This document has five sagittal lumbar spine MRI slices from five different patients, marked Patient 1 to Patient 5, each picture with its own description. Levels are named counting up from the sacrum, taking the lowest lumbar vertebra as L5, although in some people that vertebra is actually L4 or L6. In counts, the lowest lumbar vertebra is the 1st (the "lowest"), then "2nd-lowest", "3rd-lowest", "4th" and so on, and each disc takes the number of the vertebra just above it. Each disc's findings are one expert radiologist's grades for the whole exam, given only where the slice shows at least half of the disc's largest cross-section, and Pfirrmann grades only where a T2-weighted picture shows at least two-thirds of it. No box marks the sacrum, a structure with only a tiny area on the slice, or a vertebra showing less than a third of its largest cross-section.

Patient 1 of 5:
Slice 51/120 | T2 SPACE (3D) sagittal MRI of the lumbar spine

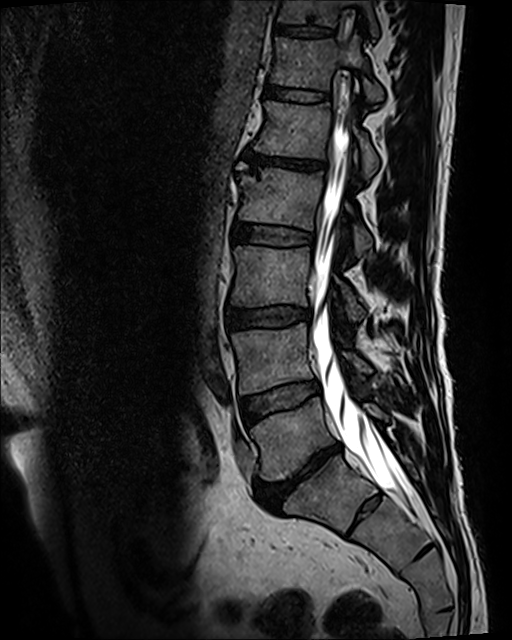 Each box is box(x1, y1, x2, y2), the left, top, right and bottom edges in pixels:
L4/L5 (2nd-lowest disc) = box(241, 381, 318, 422).
L3/L4 (3rd-lowest disc) = box(227, 308, 312, 328).
T11 (7th vertebra) = box(278, 0, 378, 36).
L2 (4th vertebra) = box(239, 168, 372, 255).
Thecal sac / spinal canal = box(313, 99, 410, 499).
L5 (lowest vertebra) = box(250, 397, 388, 480).
L4 (2nd-lowest vertebra) = box(231, 323, 369, 393).
Disc L1/L2 (5th disc) = box(244, 151, 326, 170).
T12 (6th vertebra) = box(271, 35, 383, 104).
L5/S1 (lowest disc) = box(257, 444, 341, 510).
L3 (3rd-lowest vertebra) = box(231, 246, 364, 320).
Disc T11/T12 (7th disc) = box(275, 26, 332, 36).
L1 (5th vertebra) = box(254, 101, 378, 178).
Disc L2/L3 (4th disc) = box(234, 222, 314, 246).
Disc T12/L1 (6th disc) = box(264, 81, 329, 102).

Expert MSK radiologist gradings (per disc):
• L3/L4 (3rd-lowest disc): Pfirrmann grade 3, lower-endplate change, disc bulging, upper-endplate change
• L5/S1 (lowest disc): Pfirrmann grade 5, disc bulging, upper-endplate change, lower-endplate change, Modic type II, disc narrowing
• L4/L5 (2nd-lowest disc): Pfirrmann grade 3, Modic type II
• T11/T12 (7th disc): Pfirrmann grade 3, upper-endplate change, lower-endplate change
• T12/L1 (6th disc): Pfirrmann grade 3
• L1/L2 (5th disc): Pfirrmann grade 5, Modic type II, upper-endplate change, disc bulging, lower-endplate change, disc narrowing
• L2/L3 (4th disc): Pfirrmann grade 3

Patient 2 of 5:
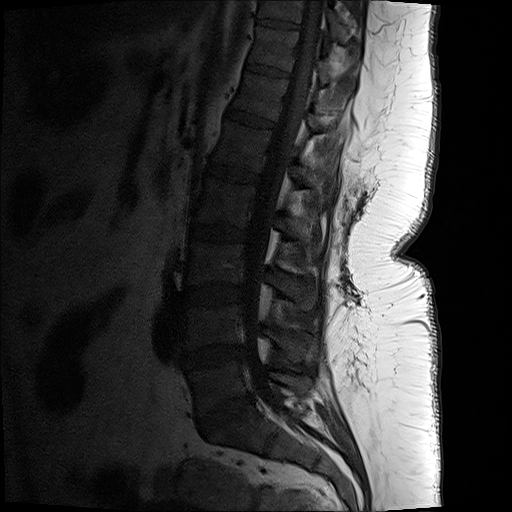

Slice spacing 3.3 mm, Sagittal T1-weighted lumbar spine MRI, Image 512x512

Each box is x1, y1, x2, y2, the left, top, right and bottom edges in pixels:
Structures:
* T11/T12 at 246, 62, 290, 77
* disc T12/L1 at 225, 105, 274, 127
* T10/T11 at 257, 18, 301, 29
* L4 at 187, 304, 311, 359
* L1 vertebra at 215, 119, 335, 199
* disc L1/L2 at 199, 162, 258, 182
* spinal canal at 243, 1, 324, 397
* L3/L4 at 184, 283, 242, 305
* T10 vertebra at 259, 0, 344, 42
* T11 vertebra at 248, 25, 354, 87
* L3 at 187, 240, 318, 309
* L5 at 191, 360, 312, 414
* disc L2/L3 at 187, 222, 248, 241
* L2 vertebra at 191, 176, 321, 253
* L4/L5 at 183, 344, 243, 369
* T12 vertebra at 234, 70, 322, 129
* L5/S1 at 200, 394, 254, 432

Per-level radiological findings:
  L4/L5: disc narrowing, disc bulging
  L5/S1: disc narrowing, disc bulging
  T11/T12, L2/L3, T10/T11, T12/L1, L3/L4, L1/L2: no herniation, bulging, narrowing, spondylolisthesis, endplate or Modic change recorded

Patient 3 of 5:
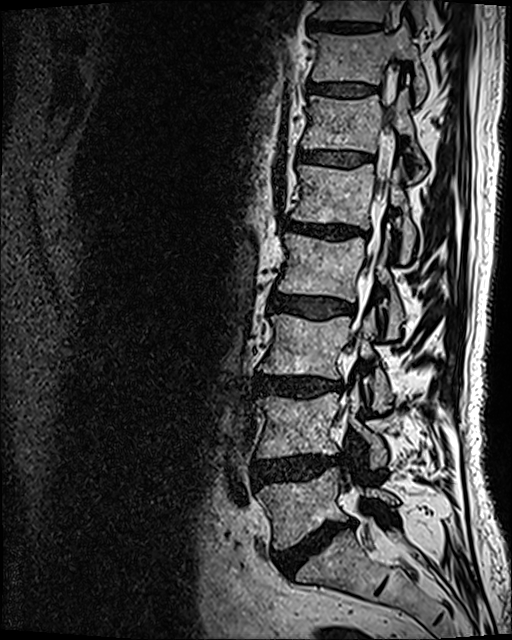
Sex M, T2 SPACE (3D) sagittal MRI of the lumbar spine, Field of view 240x300 mm, slice spacing 0.9 mm

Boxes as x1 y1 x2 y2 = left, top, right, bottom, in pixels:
T11: 312 21 426 104 | T10/T11: 309 20 377 30 | T12: 302 88 426 180 | L2 vertebra: 278 230 404 338 | T10: 313 0 423 32 | L2/L3: 269 293 353 319 | L5: 257 468 397 548 | T11/T12: 309 84 373 96 | L1: 292 161 415 262 | thecal sac / spinal canal: 339 124 392 538 | intervertebral disc T12/L1: 299 151 372 166 | L3 vertebra: 259 309 392 412 | L1/L2: 285 220 358 238 | L4/L5: 254 454 336 485 | intervertebral disc L5/S1: 273 521 353 576 | L4: 257 386 387 469 | L3/L4: 254 374 342 398

Radiological gradings:
• T12/L1: Pfirrmann grade 3
• T11/T12: Pfirrmann grade 3
• L4/L5: Pfirrmann grade 4, disc bulging, disc herniation
• L1/L2: Pfirrmann grade 4, lower-endplate change, upper-endplate change, disc narrowing, Modic type II, disc bulging
• L2/L3: Pfirrmann grade 3, disc bulging
• L5/S1: Pfirrmann grade 5, disc bulging, disc narrowing, lower-endplate change, Modic type II
• L3/L4: Pfirrmann grade 4, Modic type II, lower-endplate change, disc narrowing, disc bulging

Patient 4 of 5:
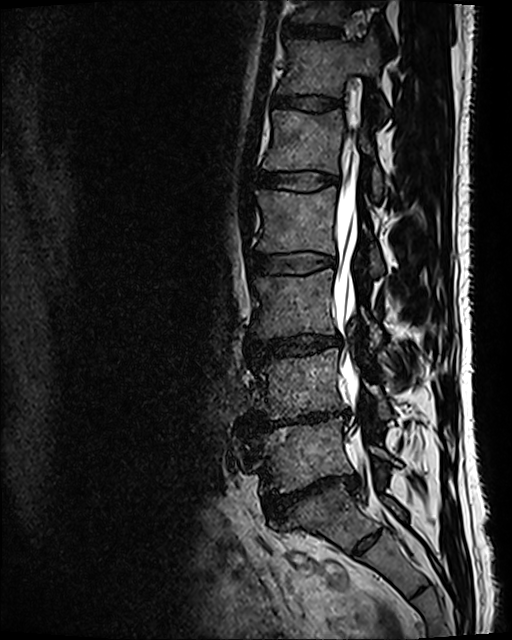 T2 SPACE (3D) sagittal MRI of the lumbar spine. Patient sex: M. Slice 69 of 120. 512x640 px.
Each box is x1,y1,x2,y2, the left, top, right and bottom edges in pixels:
Structures:
• L3 at 252,269,381,346
• intervertebral disc T12/L1 at 273,95,342,111
• T11/T12 at 281,25,340,39
• L1/L2 at 258,170,337,190
• L4 vertebra at 255,349,390,419
• L4/L5 at 248,411,338,428
• T11 at 290,0,386,24
• L1 at 263,109,382,197
• intervertebral disc L5/S1 at 264,473,360,521
• intervertebral disc L3/L4 at 248,335,340,359
• intervertebral disc L2/L3 at 249,253,334,274
• thecal sac / spinal canal at 333,124,417,553
• T12 vertebra at 277,38,386,111
• L5 vertebra at 259,420,398,494
• L2 at 256,187,383,274

Expert MSK radiologist gradings (per disc):
- T11/T12: Pfirrmann grade 2
- T12/L1: Pfirrmann grade 2
- L2/L3: Pfirrmann grade 2
- L1/L2: Pfirrmann grade 2
- L5/S1: Pfirrmann grade 5, lower-endplate change, spondylolisthesis, disc bulging, disc narrowing
- L3/L4: Pfirrmann grade 3, disc bulging, disc narrowing

Patient 5 of 5:
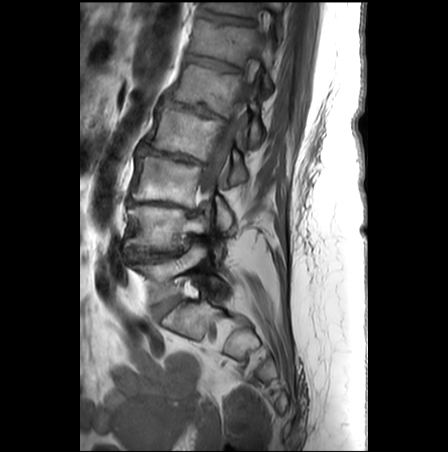 Lumbar spine MR, T1-weighted, sagittal
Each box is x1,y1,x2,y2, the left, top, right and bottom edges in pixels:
L2 (4th vertebra) at 145,107,246,183.
T11/T12 (7th disc) at 196,10,254,25.
L5/S1 (lowest disc) at 152,297,180,316.
Spinal canal at 199,39,265,206.
L1/L2 (5th disc) at 168,100,227,119.
L2/L3 (4th disc) at 140,145,201,163.
T11 (7th vertebra) at 203,2,283,16.
L4/L5 (2nd-lowest disc) at 126,249,179,260.
L4 (2nd-lowest vertebra) at 126,205,207,251.
L3 (3rd-lowest vertebra) at 131,157,231,229.
L1 (5th vertebra) at 171,64,260,144.
T12 (6th vertebra) at 190,18,274,88.
Intervertebral disc T12/L1 (6th disc) at 185,55,240,71.
L5 (lowest vertebra) at 134,244,220,304.
Intervertebral disc L3/L4 (3rd-lowest disc) at 132,202,187,209.

Expert MSK radiologist gradings (per disc):
- T12/L1 (6th disc): lower-endplate change, Modic type II, upper-endplate change
- L2/L3 (4th disc): disc bulging, lower-endplate change, disc narrowing, Modic type II, upper-endplate change
- T11/T12 (7th disc): lower-endplate change, upper-endplate change
- L4/L5 (2nd-lowest disc): disc narrowing, lower-endplate change, Modic type II, disc bulging, upper-endplate change
- L1/L2 (5th disc): upper-endplate change, lower-endplate change, disc narrowing, disc bulging, Modic type II, spondylolisthesis